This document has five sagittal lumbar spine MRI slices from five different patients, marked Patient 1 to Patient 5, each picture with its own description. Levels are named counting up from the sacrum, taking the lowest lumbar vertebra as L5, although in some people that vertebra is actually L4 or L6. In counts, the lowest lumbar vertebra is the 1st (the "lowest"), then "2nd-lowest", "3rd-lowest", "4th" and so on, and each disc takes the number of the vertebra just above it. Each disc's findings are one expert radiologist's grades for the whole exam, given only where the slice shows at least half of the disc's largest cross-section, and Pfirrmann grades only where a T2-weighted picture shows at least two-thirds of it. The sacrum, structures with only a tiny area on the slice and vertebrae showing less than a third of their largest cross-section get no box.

Patient 1 of 5:
Sex F. Sagittal slice index 7. 528x531 px. Lumbar spine MR, T1-weighted, sagittal.

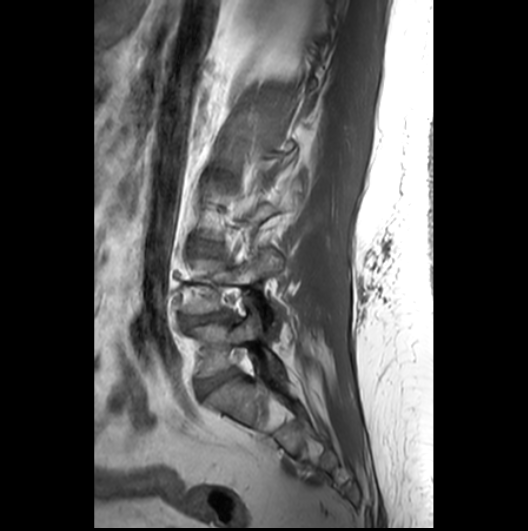 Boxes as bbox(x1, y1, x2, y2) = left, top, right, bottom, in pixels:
Structures:
- L4/L5: bbox(185, 312, 230, 324)
- L3/L4: bbox(197, 244, 218, 253)
- L5 vertebra: bbox(190, 305, 282, 376)
- L4 vertebra: bbox(188, 248, 278, 331)
- L5/S1: bbox(199, 368, 238, 394)

Patient 2 of 5:
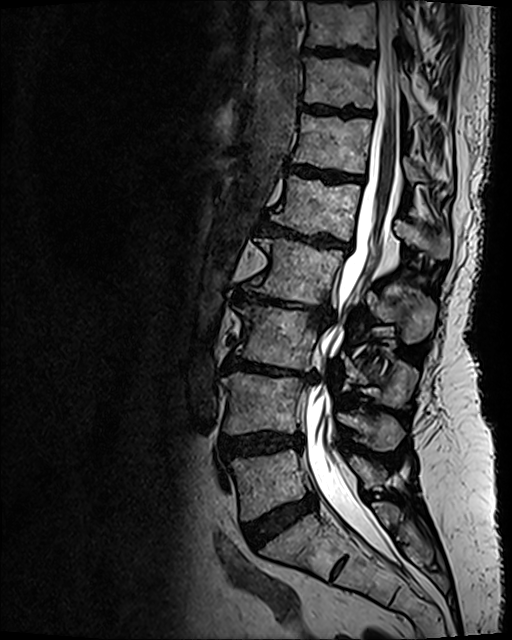 Patient sex: F | Lumbar spine MR, T2 SPACE (3D), sagittal | Slice spacing 0.9 mm

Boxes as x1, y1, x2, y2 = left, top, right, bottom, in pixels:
Intervertebral disc T11/T12: 305, 106, 370, 115.
L3: 236, 306, 415, 406.
Spinal canal: 305, 0, 399, 560.
T11 vertebra: 304, 57, 425, 121.
T10/T11: 307, 48, 371, 57.
L5/S1: 243, 494, 316, 547.
L5: 229, 449, 385, 519.
Intervertebral disc L2/L3: 235, 289, 331, 323.
T12 vertebra: 293, 113, 452, 191.
L1 vertebra: 271, 175, 450, 258.
Intervertebral disc L3/L4: 224, 357, 315, 380.
L4: 222, 372, 404, 450.
T12/L1: 289, 165, 362, 181.
T10: 306, 0, 418, 55.
L1/L2: 261, 222, 350, 250.
L2: 252, 238, 435, 343.
Intervertebral disc L4/L5: 220, 432, 303, 458.

Expert MSK radiologist gradings (per disc):
• T12/L1: Pfirrmann grade 4, Modic type II, lower-endplate change, upper-endplate change
• L1/L2: Pfirrmann grade 5, disc bulging, lower-endplate change, Modic type II, upper-endplate change, disc narrowing
• L3/L4: upper-endplate change, lower-endplate change, Modic type II, disc narrowing, disc bulging
• L4/L5: Pfirrmann grade 4, upper-endplate change, lower-endplate change, disc bulging
• T10/T11: Pfirrmann grade 4, upper-endplate change, lower-endplate change
• L2/L3: Pfirrmann grade 5, disc bulging, disc narrowing, lower-endplate change, upper-endplate change, Modic type II
• L5/S1: Pfirrmann grade 4, disc bulging
• T11/T12: Pfirrmann grade 4, lower-endplate change, upper-endplate change

Patient 3 of 5:
Field of view 260x262 mm; MRI lumbar spine (T1-weighted), sagittal plane 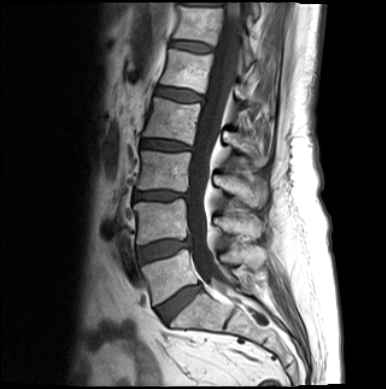 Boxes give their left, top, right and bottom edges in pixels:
{"L4": "left=134, top=199, right=264, bottom=244", "L5/S1": "left=158, top=285, right=201, bottom=321", "L5": "left=141, top=247, right=265, bottom=304", "L3/L4": "left=134, top=191, right=189, bottom=199", "T12/L1": "left=171, top=41, right=212, bottom=52", "thecal sac / spinal canal": "left=187, top=2, right=241, bottom=291", "L2 vertebra": "left=143, top=97, right=268, bottom=165", "L1 vertebra": "left=160, top=49, right=251, bottom=102", "IVD L4/L5": "left=139, top=238, right=191, bottom=263", "L3 vertebra": "left=136, top=151, right=268, bottom=208", "IVD L2/L3": "left=142, top=140, right=195, bottom=150", "T12 vertebra": "left=174, top=6, right=256, bottom=65", "IVD L1/L2": "left=155, top=87, right=203, bottom=101"}

Degenerative findings by level:
- L2/L3: disc bulging
- L3/L4: disc bulging, disc narrowing
- L1/L2: disc bulging
- L4/L5: disc bulging
- L5/S1: disc bulging
- T12/L1: no spondylolisthesis, narrowing, bulging, herniation, Modic or endplate change recorded

Patient 4 of 5:
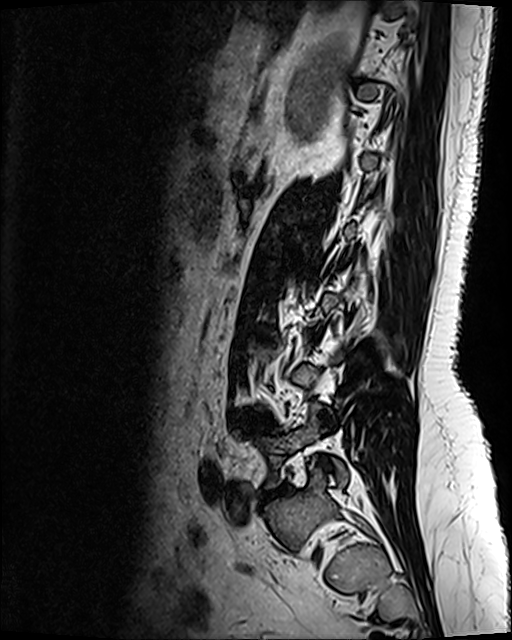

Lumbar spine MR, T2 SPACE (3D), sagittal
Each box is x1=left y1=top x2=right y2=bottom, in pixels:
L5 (lowest vertebra): x1=259 y1=403 x2=348 y2=487
L4/L5 (2nd-lowest disc): x1=239 y1=415 x2=268 y2=427

Patient 5 of 5:
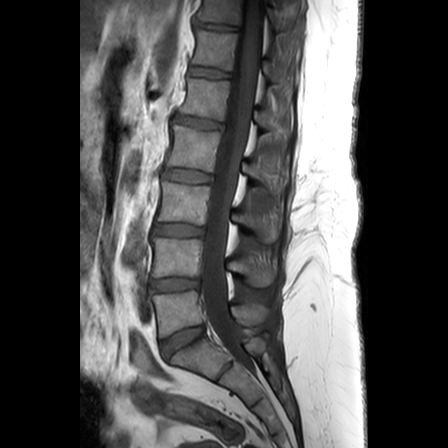 MRI lumbar spine (T1-weighted), sagittal plane; Slice spacing 3.3 mm

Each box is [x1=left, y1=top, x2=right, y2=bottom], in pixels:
{"L2/L3 (4th disc)": "[x1=164, y1=169, x2=211, y2=182]", "IVD L3/L4 (3rd-lowest disc)": "[x1=153, y1=223, x2=203, y2=235]", "L5 (lowest vertebra)": "[x1=152, y1=290, x2=267, y2=336]", "T11 (7th vertebra)": "[x1=197, y1=0, x2=280, y2=26]", "IVD L1/L2 (5th disc)": "[x1=174, y1=115, x2=223, y2=130]", "spinal canal": "[x1=201, y1=0, x2=263, y2=365]", "L4 (2nd-lowest vertebra)": "[x1=151, y1=235, x2=276, y2=286]", "T12 (6th vertebra)": "[x1=192, y1=30, x2=277, y2=80]", "L4/L5 (2nd-lowest disc)": "[x1=150, y1=278, x2=199, y2=291]", "IVD T12/L1 (6th disc)": "[x1=189, y1=66, x2=229, y2=77]", "T11/T12 (7th disc)": "[x1=196, y1=23, x2=236, y2=30]", "L2 (4th vertebra)": "[x1=168, y1=125, x2=287, y2=192]", "L3 (3rd-lowest vertebra)": "[x1=158, y1=181, x2=278, y2=241]", "L1 (5th vertebra)": "[x1=180, y1=78, x2=289, y2=138]", "L5/S1 (lowest disc)": "[x1=161, y1=326, x2=203, y2=356]"}

Radiological gradings:
  L4/L5 (2nd-lowest disc): disc narrowing
  L3/L4 (3rd-lowest disc): upper-endplate change
  L1/L2 (5th disc): Modic type II, disc bulging, upper-endplate change
  L5/S1 (lowest disc), T12/L1 (6th disc), L2/L3 (4th disc), T11/T12 (7th disc): no herniation, bulging, narrowing, spondylolisthesis, endplate or Modic change recorded